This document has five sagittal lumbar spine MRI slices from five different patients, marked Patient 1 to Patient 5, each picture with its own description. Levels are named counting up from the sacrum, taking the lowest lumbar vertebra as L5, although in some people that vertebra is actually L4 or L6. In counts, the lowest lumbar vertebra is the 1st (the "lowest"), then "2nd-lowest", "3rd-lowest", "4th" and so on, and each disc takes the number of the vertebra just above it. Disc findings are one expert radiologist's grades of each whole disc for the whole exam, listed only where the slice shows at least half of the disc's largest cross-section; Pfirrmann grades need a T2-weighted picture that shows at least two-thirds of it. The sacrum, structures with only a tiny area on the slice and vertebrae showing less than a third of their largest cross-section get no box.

Patient 1 of 5:
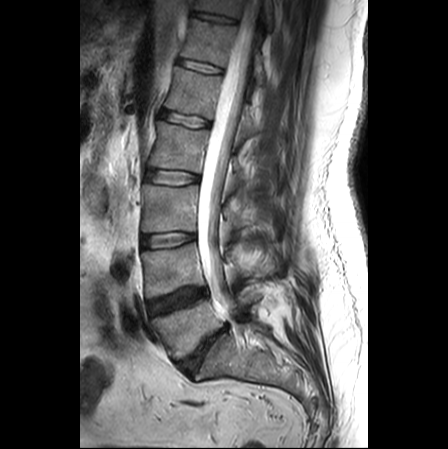 MRI lumbar spine (T2-weighted), sagittal plane, Slice 14/25, Slice spacing 3.3 mm
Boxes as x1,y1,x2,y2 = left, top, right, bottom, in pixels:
Intervertebral disc L3/L4 (3rd-lowest disc) — 142,232,194,246.
L5 (lowest vertebra) — 152,292,259,359.
T11 (7th vertebra) — 194,0,272,28.
Thecal sac / spinal canal — 198,0,259,316.
L3 (3rd-lowest vertebra) — 142,185,255,231.
L4 (2nd-lowest vertebra) — 142,243,262,297.
L4/L5 (2nd-lowest disc) — 148,288,206,314.
T12/L1 (6th disc) — 178,59,222,73.
L1 (5th vertebra) — 165,67,258,134.
L2/L3 (4th disc) — 146,170,199,185.
T12 (6th vertebra) — 181,19,265,84.
L5/S1 (lowest disc) — 176,327,226,374.
Intervertebral disc T11/T12 (7th disc) — 192,12,235,23.
L2 (4th vertebra) — 149,121,246,179.
L1/L2 (5th disc) — 160,110,209,126.

Degenerative findings by level:
• T12/L1 (6th disc): Pfirrmann grade 1
• L2/L3 (4th disc): Pfirrmann grade 1
• T11/T12 (7th disc): Pfirrmann grade 1
• L4/L5 (2nd-lowest disc): Pfirrmann grade 4, disc bulging, Modic type II
• L1/L2 (5th disc): Pfirrmann grade 1
• L3/L4 (3rd-lowest disc): Pfirrmann grade 1
• L5/S1 (lowest disc): Pfirrmann grade 5, Modic type II, disc bulging, disc narrowing

Patient 2 of 5:
Lumbar spine MR, T1-weighted, sagittal

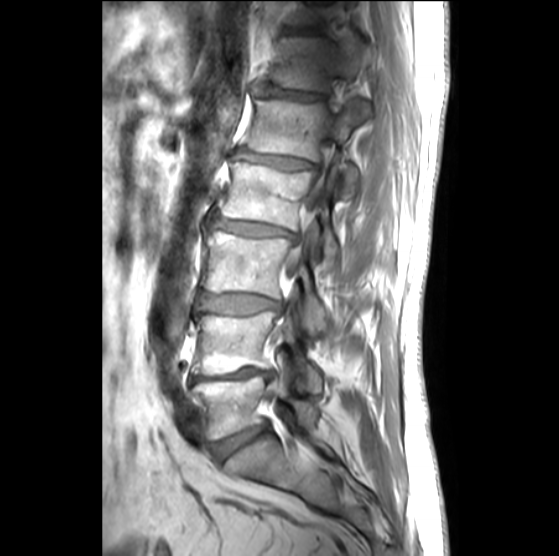 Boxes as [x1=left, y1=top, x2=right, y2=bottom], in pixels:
{"disc L5/S1": "[x1=215, y1=422, x2=267, y2=459]", "T12": "[x1=266, y1=36, x2=363, y2=91]", "disc L1/L2": "[x1=235, y1=149, x2=316, y2=171]", "L1 vertebra": "[x1=243, y1=98, x2=368, y2=195]", "disc L3/L4": "[x1=199, y1=292, x2=281, y2=312]", "L5": "[x1=193, y1=372, x2=318, y2=438]", "L4/L5": "[x1=193, y1=367, x2=272, y2=379]", "T11/T12": "[x1=285, y1=26, x2=322, y2=33]", "L3": "[x1=202, y1=226, x2=327, y2=333]", "L4": "[x1=192, y1=308, x2=321, y2=391]", "disc T12/L1": "[x1=258, y1=85, x2=325, y2=100]", "spinal canal": "[x1=284, y1=166, x2=328, y2=280]", "L2/L3": "[x1=213, y1=215, x2=293, y2=237]", "L2": "[x1=217, y1=160, x2=338, y2=261]"}

Radiological gradings:
  L3/L4: disc bulging
  T12/L1: disc narrowing
  L4/L5: disc narrowing, upper-endplate change, lower-endplate change, Modic type II
  L1/L2: lower-endplate change, disc narrowing, Modic type III, upper-endplate change, disc bulging
  L2/L3: lower-endplate change, disc narrowing, upper-endplate change, Modic type II, disc bulging

Patient 3 of 5:
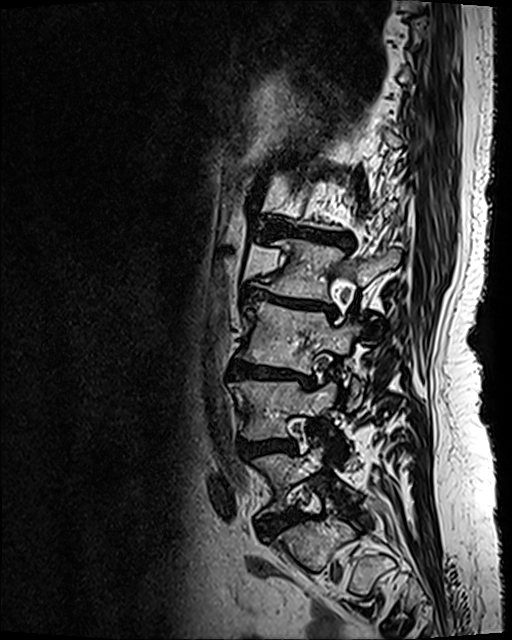 Sagittal T2 SPACE (3D) lumbar spine MRI.
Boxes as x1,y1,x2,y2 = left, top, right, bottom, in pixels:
{"L3 vertebra": "239,302,362,408", "L3/L4": "228,361,315,387", "L5 vertebra": "253,438,349,513", "L1/L2": "268,222,352,246", "L4/L5": "238,436,296,458", "disc L2/L3": "242,287,334,314", "L5/S1": "259,509,300,536", "L4": "229,381,336,439", "L2 vertebra": "255,239,400,299"}

Radiological gradings:
- L2/L3: Pfirrmann grade 5, Modic type II, upper-endplate change, lower-endplate change, disc bulging, disc narrowing
- L4/L5: disc bulging, upper-endplate change, lower-endplate change
- L3/L4: Pfirrmann grade 5, lower-endplate change, disc bulging, disc narrowing, upper-endplate change, Modic type II
- L1/L2: Pfirrmann grade 5, upper-endplate change, disc narrowing, disc bulging, Modic type II, lower-endplate change

Patient 4 of 5:
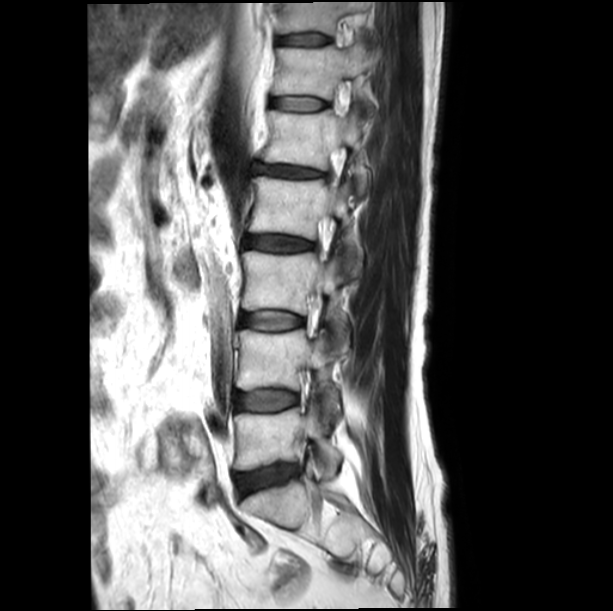

Sagittal slice index 6 | T2-weighted sagittal MRI of the lumbar spine

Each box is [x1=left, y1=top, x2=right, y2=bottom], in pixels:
{"thecal sac / spinal canal": "[x1=325, y1=132, x2=336, y2=214]", "4th disc": "[x1=245, y1=235, x2=312, y2=251]", "7th vertebra": "[x1=280, y1=2, x2=360, y2=34]", "5th disc": "[x1=252, y1=163, x2=322, y2=177]", "5th vertebra": "[x1=263, y1=110, x2=368, y2=193]", "3rd-lowest disc": "[x1=241, y1=311, x2=303, y2=330]", "6th disc": "[x1=271, y1=97, x2=324, y2=110]", "6th vertebra": "[x1=274, y1=43, x2=374, y2=98]", "7th disc": "[x1=280, y1=34, x2=325, y2=44]", "2nd-lowest disc": "[x1=234, y1=391, x2=297, y2=410]", "lowest vertebra": "[x1=234, y1=403, x2=341, y2=476]", "4th vertebra": "[x1=243, y1=176, x2=362, y2=267]", "lowest disc": "[x1=237, y1=465, x2=297, y2=495]", "3rd-lowest vertebra": "[x1=243, y1=251, x2=348, y2=350]", "2nd-lowest vertebra": "[x1=237, y1=330, x2=340, y2=414]"}

Degenerative findings by level:
- 7th disc: Pfirrmann grade 1
- 4th disc: Pfirrmann grade 3
- 5th disc: Pfirrmann grade 3, disc bulging, disc narrowing
- 3rd-lowest disc: Pfirrmann grade 1
- lowest disc: disc bulging
- 2nd-lowest disc: Pfirrmann grade 1
- 6th disc: Pfirrmann grade 1

Patient 5 of 5:
512x512 px, Slice 1/17, MRI lumbar spine (T1-weighted), sagittal plane, Patient sex: M, SIEMENS Avanto_fit (1.5T) 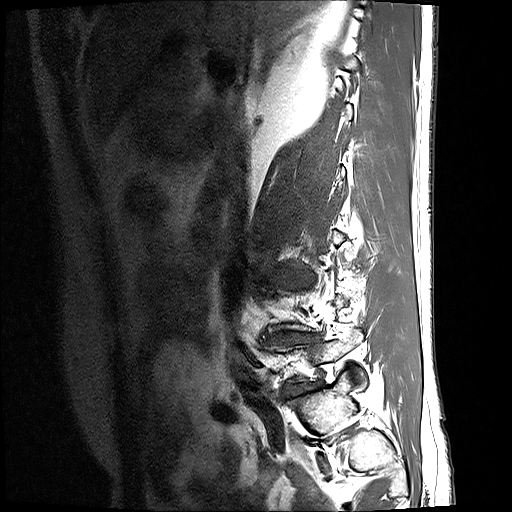

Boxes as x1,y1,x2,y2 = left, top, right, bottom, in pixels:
lowest disc — 284,381,317,396 | 2nd-lowest disc — 272,332,294,343

Degenerative findings by level:
  lowest disc: lower-endplate change, spondylolisthesis, disc bulging, disc narrowing